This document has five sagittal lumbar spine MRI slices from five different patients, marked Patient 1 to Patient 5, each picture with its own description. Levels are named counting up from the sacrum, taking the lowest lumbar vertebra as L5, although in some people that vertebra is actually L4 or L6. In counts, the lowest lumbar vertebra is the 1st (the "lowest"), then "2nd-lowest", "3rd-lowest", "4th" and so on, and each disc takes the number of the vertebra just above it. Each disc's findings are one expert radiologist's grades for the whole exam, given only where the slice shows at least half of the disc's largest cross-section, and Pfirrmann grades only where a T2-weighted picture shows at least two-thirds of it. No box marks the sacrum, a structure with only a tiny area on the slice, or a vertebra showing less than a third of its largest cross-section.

Patient 1 of 5:
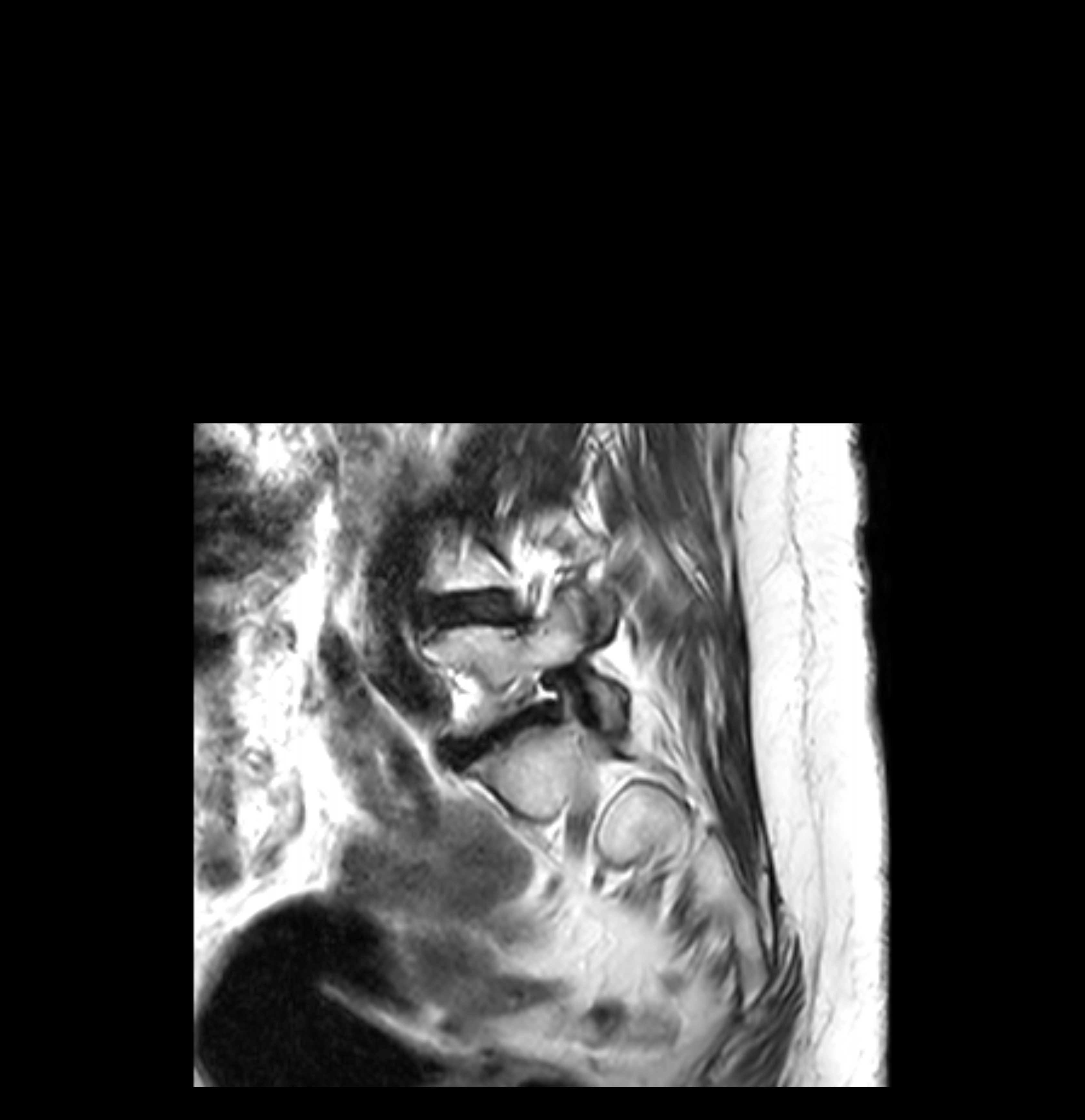

T2-weighted sagittal MRI of the lumbar spine | 1085x1120 px
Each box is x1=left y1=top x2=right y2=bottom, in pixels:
Lowest disc at x1=453 y1=704 x2=552 y2=762, lowest vertebra at x1=429 y1=593 x2=620 y2=732, 2nd-lowest disc at x1=455 y1=592 x2=508 y2=616.

Radiological gradings:
  lowest disc: Modic type II, upper-endplate change, disc bulging, disc herniation, lower-endplate change, disc narrowing

Patient 2 of 5:
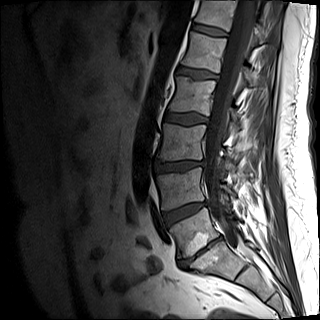 Sagittal T1-weighted lumbar spine MRI | 320x320 px | Slice spacing 4.8 mm
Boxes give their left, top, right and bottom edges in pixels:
- L2 at left=168, top=76, right=240, bottom=130
- L1/L2 at left=177, top=67, right=218, bottom=79
- L3/L4 at left=156, top=161, right=205, bottom=172
- L5/S1 at left=181, top=237, right=221, bottom=263
- L2/L3 at left=164, top=112, right=208, bottom=125
- spinal canal at left=205, top=0, right=256, bottom=252
- L4 vertebra at left=157, top=167, right=235, bottom=209
- T12 at left=195, top=0, right=278, bottom=45
- L1 vertebra at left=181, top=32, right=258, bottom=85
- L4/L5 at left=163, top=201, right=207, bottom=224
- T12/L1 at left=191, top=23, right=228, bottom=36
- L3 at left=156, top=123, right=235, bottom=166
- L5 vertebra at left=170, top=207, right=242, bottom=257

Expert MSK radiologist gradings (per disc):
  L4/L5: lower-endplate change, disc narrowing, disc bulging
  L1/L2: upper-endplate change
  L5/S1: lower-endplate change, upper-endplate change, Modic type II, disc narrowing, disc bulging
  L3/L4: disc bulging
  L2/L3, T12/L1: no herniation, bulging, narrowing, spondylolisthesis, endplate or Modic change recorded

Patient 3 of 5:
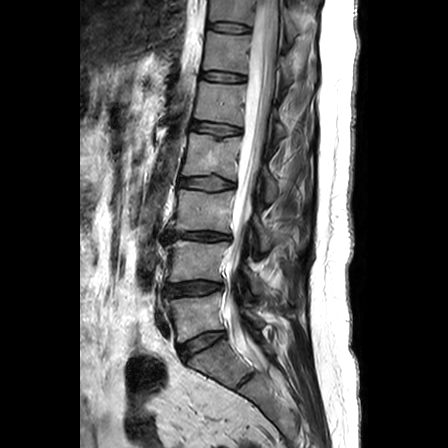 T2-weighted sagittal MRI of the lumbar spine

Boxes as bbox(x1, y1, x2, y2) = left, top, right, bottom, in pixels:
T12 (6th vertebra): bbox(203, 31, 316, 83).
T11 (7th vertebra): bbox(209, 0, 298, 39).
Thecal sac / spinal canal: bbox(226, 0, 278, 366).
L1 (5th vertebra): bbox(195, 81, 285, 143).
L2 (4th vertebra): bbox(182, 133, 278, 201).
L5/S1 (lowest disc): bbox(178, 331, 225, 359).
L3 (3rd-lowest vertebra): bbox(169, 189, 273, 252).
T11/T12 (7th disc): bbox(208, 22, 249, 32).
L4 (2nd-lowest vertebra): bbox(168, 240, 264, 292).
L5 (lowest vertebra): bbox(165, 292, 263, 342).
L4/L5 (2nd-lowest disc): bbox(165, 281, 222, 296).
T12/L1 (6th disc): bbox(201, 71, 245, 81).
L2/L3 (4th disc): bbox(179, 176, 233, 190).
IVD L3/L4 (3rd-lowest disc): bbox(167, 231, 229, 240).
L1/L2 (5th disc): bbox(191, 121, 240, 135).

Expert MSK radiologist gradings (per disc):
  L4/L5 (2nd-lowest disc): Pfirrmann grade 3, disc bulging
  L1/L2 (5th disc): Pfirrmann grade 2
  L3/L4 (3rd-lowest disc): Pfirrmann grade 3, upper-endplate change, disc narrowing, lower-endplate change, Modic type II, disc herniation
  T11/T12 (7th disc): Pfirrmann grade 1
  L5/S1 (lowest disc): Pfirrmann grade 3
  L2/L3 (4th disc): Pfirrmann grade 1
  T12/L1 (6th disc): Pfirrmann grade 2

Patient 4 of 5:
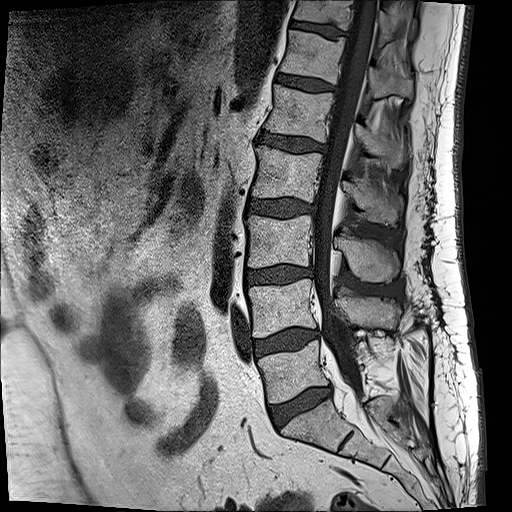 Image 512x512; MRI lumbar spine (T1-weighted), sagittal plane

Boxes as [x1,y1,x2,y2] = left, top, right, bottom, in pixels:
L1 at [265,84,405,167], T11/T12 at [290,19,345,37], L3/L4 at [246,266,307,283], L3 at [246,215,399,282], thecal sac / spinal canal at [314,0,377,395], IVD L4/L5 at [254,329,319,356], L4 at [248,281,401,337], IVD L5/S1 at [269,388,331,426], T12 vertebra at [280,30,412,99], L2 vertebra at [253,145,402,225], T11 at [293,0,417,45], IVD T12/L1 at [274,75,334,90], L5 vertebra at [258,339,363,402], L1/L2 at [258,128,324,152], L2/L3 at [247,199,310,217].

Radiological gradings:
- L5/S1: disc bulging, disc narrowing, Modic type II
- L3/L4: disc bulging, Modic type II
- L4/L5: disc bulging, Modic type II
- L2/L3: disc bulging
- L1/L2: disc bulging
- T12/L1, T11/T12: no spondylolisthesis, narrowing, bulging, herniation, Modic or endplate change recorded

Patient 5 of 5:
512x512 px | Slice 6 of 17 | MRI lumbar spine (T2-weighted), sagittal plane
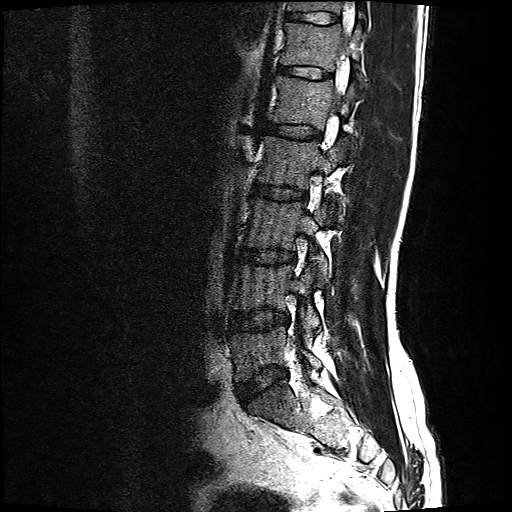
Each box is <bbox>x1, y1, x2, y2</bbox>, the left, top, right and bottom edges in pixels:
Segmented structures:
* IVD L1/L2: <bbox>266, 121, 319, 137</bbox>
* T11/T12: <bbox>285, 11, 338, 23</bbox>
* L5 vertebra: <bbox>232, 324, 322, 379</bbox>
* L5/S1: <bbox>237, 366, 288, 399</bbox>
* IVD L3/L4: <bbox>241, 246, 295, 263</bbox>
* T11: <bbox>287, 0, 366, 19</bbox>
* IVD L2/L3: <bbox>253, 182, 306, 198</bbox>
* L4 vertebra: <bbox>234, 263, 319, 337</bbox>
* T12/L1: <bbox>278, 65, 329, 78</bbox>
* L1 vertebra: <bbox>270, 75, 355, 128</bbox>
* L3: <bbox>244, 197, 335, 282</bbox>
* L4/L5: <bbox>231, 309, 289, 329</bbox>
* T12: <bbox>281, 21, 364, 87</bbox>
* L2 vertebra: <bbox>257, 134, 354, 207</bbox>

Expert MSK radiologist gradings (per disc):
- T12/L1: Pfirrmann grade 2
- L1/L2: Pfirrmann grade 2
- T11/T12: Pfirrmann grade 2
- L2/L3: Pfirrmann grade 2
- L4/L5: Pfirrmann grade 2, disc bulging
- L5/S1: Pfirrmann grade 2, disc bulging
- L3/L4: Pfirrmann grade 2, disc bulging